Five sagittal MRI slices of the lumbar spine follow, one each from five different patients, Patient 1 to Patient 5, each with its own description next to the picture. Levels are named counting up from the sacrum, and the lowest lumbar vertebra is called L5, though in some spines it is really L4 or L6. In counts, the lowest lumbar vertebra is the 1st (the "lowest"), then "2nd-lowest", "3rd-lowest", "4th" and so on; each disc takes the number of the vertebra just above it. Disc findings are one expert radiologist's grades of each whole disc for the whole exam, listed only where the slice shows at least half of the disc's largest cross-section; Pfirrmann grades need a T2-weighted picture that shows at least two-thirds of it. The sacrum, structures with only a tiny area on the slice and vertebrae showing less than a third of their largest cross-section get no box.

Patient 1 of 5:
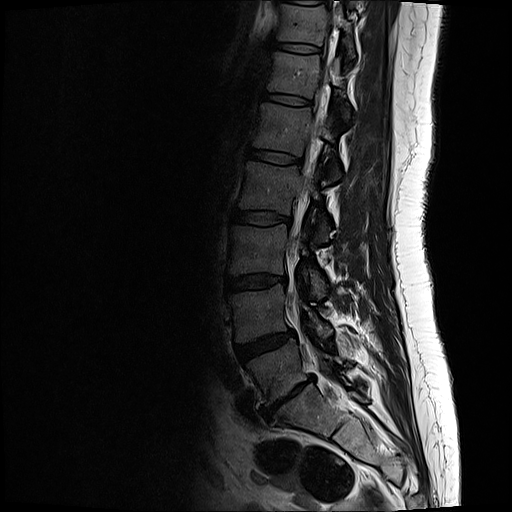
Patient sex: F | T2-weighted sagittal MRI of the lumbar spine | 512x512 px | Slice 6/17

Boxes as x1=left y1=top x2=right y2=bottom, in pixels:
L5 vertebra: x1=246 y1=340 x2=346 y2=405
T12/L1: x1=261 y1=93 x2=308 y2=105
intervertebral disc T11/T12: x1=268 y1=40 x2=318 y2=52
L1 vertebra: x1=251 y1=102 x2=339 y2=179
intervertebral disc L5/S1: x1=261 y1=377 x2=313 y2=420
intervertebral disc L4/L5: x1=235 y1=330 x2=292 y2=359
intervertebral disc L2/L3: x1=231 y1=210 x2=290 y2=224
L3: x1=227 y1=225 x2=325 y2=297
intervertebral disc L3/L4: x1=224 y1=274 x2=285 y2=292
L4 vertebra: x1=229 y1=284 x2=330 y2=341
L2 vertebra: x1=236 y1=162 x2=328 y2=241
T12: x1=265 y1=51 x2=349 y2=117
T11 vertebra: x1=272 y1=3 x2=354 y2=56
intervertebral disc L1/L2: x1=246 y1=148 x2=299 y2=163
thecal sac / spinal canal: x1=286 y1=6 x2=338 y2=310

Expert MSK radiologist gradings (per disc):
- T12/L1: Pfirrmann grade 2
- T11/T12: Pfirrmann grade 2
- L2/L3: Pfirrmann grade 2
- L1/L2: Pfirrmann grade 2
- L4/L5: Pfirrmann grade 3, disc bulging
- L3/L4: Pfirrmann grade 2, disc bulging
- L5/S1: Pfirrmann grade 5, disc narrowing, upper-endplate change, Modic type III, lower-endplate change, disc bulging, disc herniation

Patient 2 of 5:
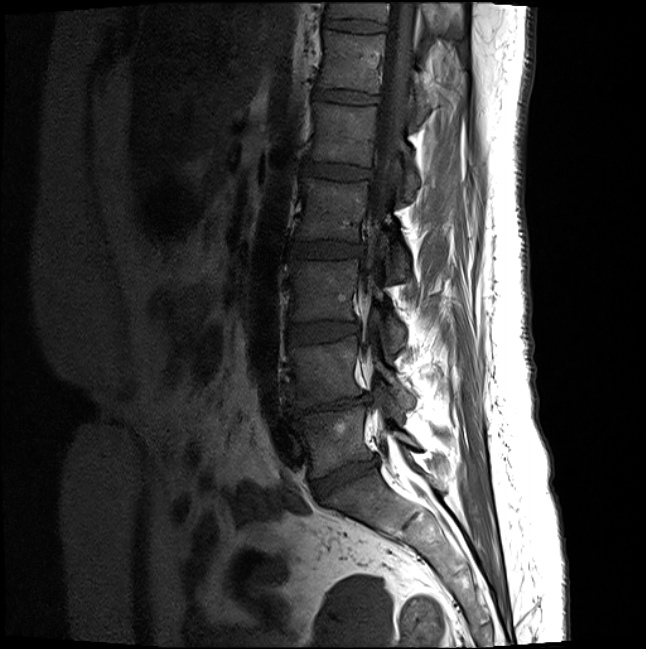 Slice 14 of 20; Slice spacing 3.3 mm; Patient sex: F; MRI lumbar spine (T1-weighted), sagittal plane
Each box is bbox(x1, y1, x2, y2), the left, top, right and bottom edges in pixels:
L2/L3 at bbox(288, 240, 361, 256); thecal sac / spinal canal at bbox(363, 0, 418, 440); L5/S1 at bbox(311, 458, 379, 501); T11 vertebra at bbox(327, 1, 464, 37); T12/L1 at bbox(314, 88, 377, 103); disc T11/T12 at bbox(324, 17, 386, 31); L1 at bbox(310, 101, 419, 198); L3 at bbox(289, 258, 405, 351); L2 at bbox(295, 176, 409, 277); L1/L2 at bbox(303, 159, 370, 178); L3/L4 at bbox(288, 321, 358, 343); T12 at bbox(318, 29, 434, 119); L4 vertebra at bbox(288, 335, 414, 408); L5 at bbox(293, 404, 418, 476); disc L4/L5 at bbox(286, 394, 369, 417).

Expert MSK radiologist gradings (per disc):
  L4/L5: disc narrowing, lower-endplate change, upper-endplate change, disc bulging, Modic type II
  L5/S1: disc bulging, disc narrowing
  T11/T12, L3/L4, L1/L2, L2/L3, T12/L1: no Modic or endplate change, herniation, narrowing, bulging or spondylolisthesis recorded

Patient 3 of 5:
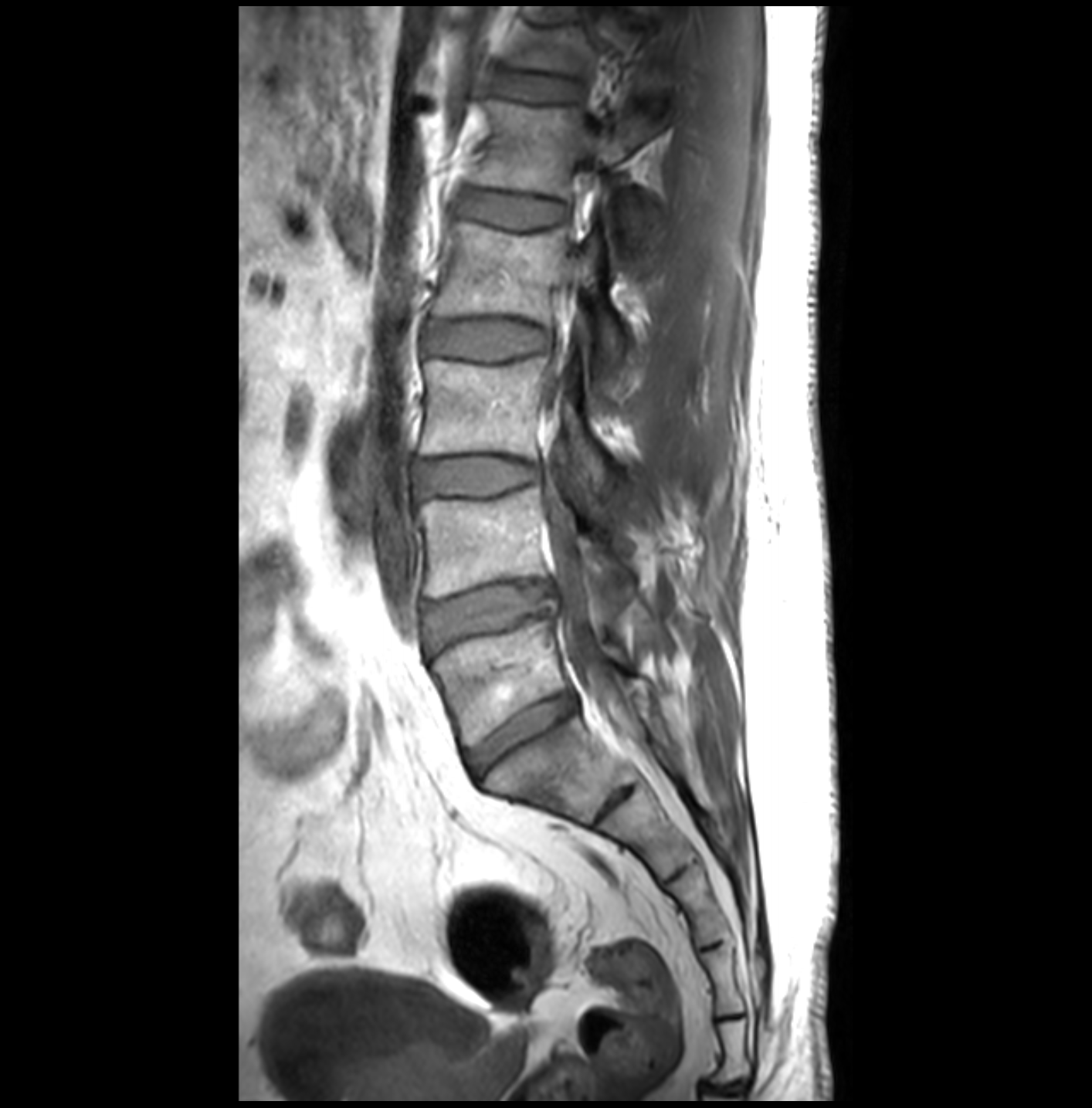

Sagittal T1-weighted lumbar spine MRI; Image 1092x1108
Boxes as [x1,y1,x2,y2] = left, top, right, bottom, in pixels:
Segmented structures:
• L5 (lowest vertebra) — [432,618,630,745]
• L1 (5th vertebra) — [473,100,660,249]
• L5/S1 (lowest disc) — [467,695,578,776]
• L3 (3rd-lowest vertebra) — [419,357,609,491]
• L2 (4th vertebra) — [433,222,630,398]
• L4 (2nd-lowest vertebra) — [418,486,632,598]
• spinal canal — [539,310,627,725]
• L2/L3 (4th disc) — [426,322,548,356]
• T12/L1 (6th disc) — [508,76,581,102]
• L1/L2 (5th disc) — [454,192,565,225]
• L3/L4 (3rd-lowest disc) — [416,459,538,496]
• IVD L4/L5 (2nd-lowest disc) — [423,582,550,647]

Degenerative findings by level:
- L4/L5 (2nd-lowest disc): disc herniation
- L1/L2 (5th disc), L3/L4 (3rd-lowest disc), T12/L1 (6th disc), L2/L3 (4th disc), L5/S1 (lowest disc): no herniation, bulging, narrowing, spondylolisthesis, endplate or Modic change recorded

Patient 4 of 5:
MRI lumbar spine (T2 SPACE (3D)), sagittal plane; Slice 77 of 120 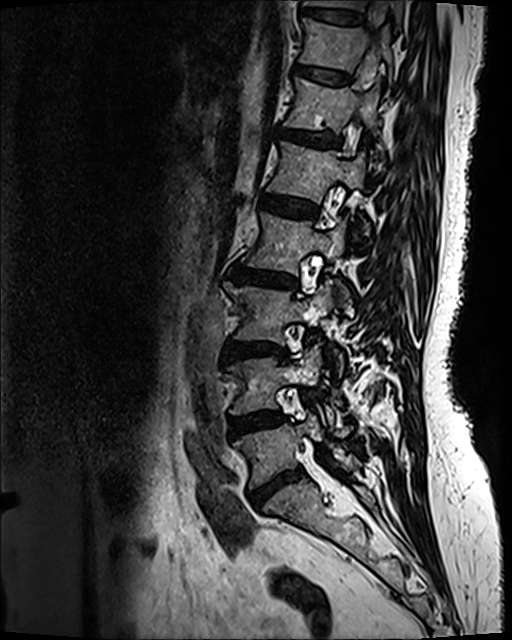
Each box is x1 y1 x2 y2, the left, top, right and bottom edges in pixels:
T12 = 284 78 382 158.
L5 vertebra = 234 416 360 488.
Disc T11/T12 = 295 64 351 83.
L1 = 268 142 368 236.
L2 vertebra = 246 213 345 275.
L3 = 224 282 342 371.
Disc L5/S1 = 251 471 301 506.
T12/L1 = 278 126 342 148.
Disc L3/L4 = 224 340 286 355.
L1/L2 = 256 191 318 217.
Disc L2/L3 = 228 266 299 290.
T10/T11 = 302 7 363 24.
T11 = 300 18 391 81.
T10 vertebra = 304 0 405 30.
L4 = 227 348 332 421.
L4/L5 = 229 411 283 436.

Per-level radiological findings:
- T12/L1: Pfirrmann grade 3, disc bulging
- T11/T12: Pfirrmann grade 2
- L4/L5: disc bulging
- L3/L4: upper-endplate change, disc narrowing, disc bulging, Modic type II, lower-endplate change
- L2/L3: Pfirrmann grade 4, disc bulging, disc narrowing, upper-endplate change, Modic type II, lower-endplate change
- L5/S1: disc narrowing, disc bulging
- L1/L2: Pfirrmann grade 2
- T10/T11: Pfirrmann grade 2

Patient 5 of 5:
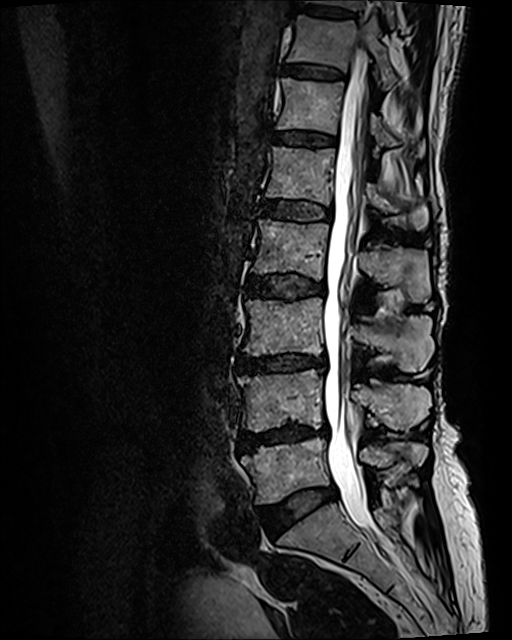

Slice 61 of 120; MRI lumbar spine (T2 SPACE (3D)), sagittal plane; Patient sex: F
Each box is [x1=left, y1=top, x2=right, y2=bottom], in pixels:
T12/L1 at [x1=274, y1=131, x2=335, y2=145], T10 vertebra at [x1=313, y1=0, x2=394, y2=26], L3/L4 at [x1=238, y1=354, x2=326, y2=372], L4/L5 at [x1=240, y1=424, x2=328, y2=449], L4 at [x1=237, y1=369, x2=430, y2=432], L1 at [x1=266, y1=146, x2=427, y2=231], L1/L2 at [x1=261, y1=200, x2=331, y2=220], L5/S1 at [x1=260, y1=487, x2=335, y2=531], L2/L3 at [x1=249, y1=273, x2=325, y2=298], thecal sac / spinal canal at [x1=323, y1=50, x2=378, y2=537], L3 vertebra at [x1=242, y1=297, x2=434, y2=372], IVD T10/T11 at [x1=302, y1=6, x2=351, y2=17], L5 at [x1=241, y1=436, x2=427, y2=505], T12 vertebra at [x1=276, y1=77, x2=425, y2=158], T11 vertebra at [x1=287, y1=16, x2=396, y2=90], T11/T12 at [x1=284, y1=64, x2=344, y2=78], L2 vertebra at [x1=252, y1=219, x2=430, y2=302].

Per-level radiological findings:
- L5/S1: Pfirrmann grade 2, disc bulging
- L1/L2: Pfirrmann grade 3, upper-endplate change, Modic type II, lower-endplate change
- T11/T12: Pfirrmann grade 2, Modic type II, upper-endplate change, lower-endplate change
- L4/L5: Pfirrmann grade 4, Modic type II, lower-endplate change, disc bulging, disc narrowing, upper-endplate change
- T12/L1: Pfirrmann grade 2, upper-endplate change, Modic type II, lower-endplate change
- L3/L4: Pfirrmann grade 4, disc narrowing, upper-endplate change, Modic type II, lower-endplate change, disc bulging
- T10/T11: Pfirrmann grade 2, upper-endplate change, lower-endplate change
- L2/L3: Pfirrmann grade 3, lower-endplate change, Modic type II, upper-endplate change, disc bulging